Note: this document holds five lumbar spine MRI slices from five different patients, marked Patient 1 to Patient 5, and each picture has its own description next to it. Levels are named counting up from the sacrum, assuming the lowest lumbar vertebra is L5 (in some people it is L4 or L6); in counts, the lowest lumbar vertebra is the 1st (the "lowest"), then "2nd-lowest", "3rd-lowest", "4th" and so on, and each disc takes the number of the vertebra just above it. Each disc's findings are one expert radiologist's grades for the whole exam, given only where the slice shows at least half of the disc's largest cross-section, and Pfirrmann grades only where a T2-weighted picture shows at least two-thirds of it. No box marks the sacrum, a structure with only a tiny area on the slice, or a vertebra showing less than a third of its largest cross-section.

Patient 1 of 5:
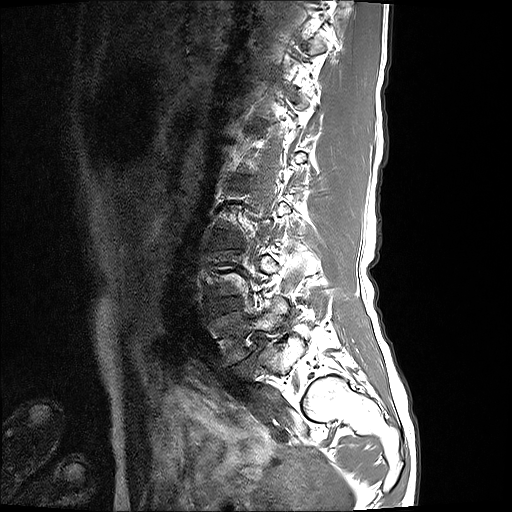 Field of view 300x300 mm, slice spacing 3.3 mm; Patient sex: F; Slice 2 of 17; T1-weighted sagittal MRI of the lumbar spine
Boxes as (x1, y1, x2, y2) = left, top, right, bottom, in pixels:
L5 (lowest vertebra) at (208, 298, 288, 365), disc L5/S1 (lowest disc) at (228, 338, 263, 374), disc L4/L5 (2nd-lowest disc) at (206, 297, 241, 317), disc L2/L3 (4th disc) at (235, 178, 247, 183), L3/L4 (3rd-lowest disc) at (213, 232, 240, 247).

Per-level radiological findings:
- L4/L5 (2nd-lowest disc): no spondylolisthesis, narrowing, bulging, herniation, Modic or endplate change recorded

Patient 2 of 5:
T2 SPACE (3D) sagittal MRI of the lumbar spine. Slice 59/120. 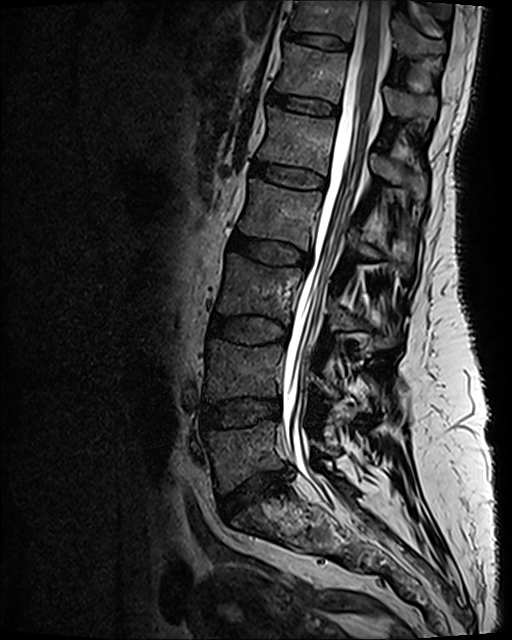
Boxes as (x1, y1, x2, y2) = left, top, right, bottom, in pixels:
Segmented structures:
- lowest vertebra: (207, 422, 336, 492)
- 2nd-lowest vertebra: (204, 340, 378, 411)
- lowest disc: (220, 470, 288, 518)
- 3rd-lowest disc: (210, 315, 287, 343)
- 4th disc: (230, 232, 310, 266)
- 3rd-lowest vertebra: (216, 254, 397, 348)
- 5th disc: (252, 161, 326, 188)
- 5th vertebra: (258, 108, 426, 201)
- 7th vertebra: (291, 0, 446, 58)
- thecal sac / spinal canal: (282, 0, 387, 502)
- 4th vertebra: (239, 179, 410, 277)
- 6th disc: (269, 93, 337, 115)
- 2nd-lowest disc: (201, 398, 280, 427)
- 7th disc: (284, 29, 349, 51)
- 6th vertebra: (275, 43, 436, 117)

Per-level radiological findings:
  6th disc: Pfirrmann grade 2
  5th disc: Pfirrmann grade 2
  2nd-lowest disc: Pfirrmann grade 3, disc bulging
  3rd-lowest disc: Pfirrmann grade 3
  4th disc: Pfirrmann grade 3, disc bulging
  lowest disc: Pfirrmann grade 3, lower-endplate change, disc herniation, upper-endplate change, disc narrowing
  7th disc: Pfirrmann grade 2

Patient 3 of 5:
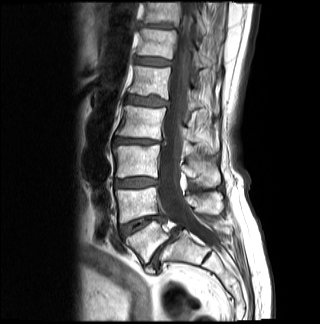 Sagittal slice index 9, 320x324 px, Sagittal T1-weighted lumbar spine MRI
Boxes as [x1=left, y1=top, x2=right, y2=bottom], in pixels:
IVD L4/L5 at [x1=120, y1=215, x2=165, y2=237], T12/L1 at [x1=135, y1=57, x2=171, y2=65], IVD L2/L3 at [x1=113, y1=138, x2=165, y2=145], IVD L5/S1 at [x1=146, y1=227, x2=180, y2=269], T11/T12 at [x1=139, y1=23, x2=172, y2=29], L3 vertebra at [x1=113, y1=145, x2=220, y2=187], L1/L2 at [x1=126, y1=95, x2=168, y2=106], L5 at [x1=125, y1=218, x2=227, y2=262], L4 vertebra at [x1=115, y1=186, x2=220, y2=223], L3/L4 at [x1=115, y1=177, x2=157, y2=187], L1 vertebra at [x1=128, y1=65, x2=219, y2=114], T12 at [x1=138, y1=28, x2=207, y2=69], spinal canal at [x1=160, y1=1, x2=215, y2=246], L2 at [x1=116, y1=105, x2=217, y2=153], T11 at [x1=143, y1=1, x2=206, y2=34].

Expert MSK radiologist gradings (per disc):
  L3/L4: disc bulging
  L5/S1: disc bulging, disc herniation, disc narrowing, spondylolisthesis, lower-endplate change, Modic type II, upper-endplate change
  T11/T12: disc bulging, disc narrowing
  L1/L2: lower-endplate change, disc bulging
  L4/L5: Modic type II, disc narrowing
  L2/L3: disc narrowing, Modic type II, disc bulging
  T12/L1: no Modic or endplate change, herniation, narrowing, bulging or spondylolisthesis recorded

Patient 4 of 5:
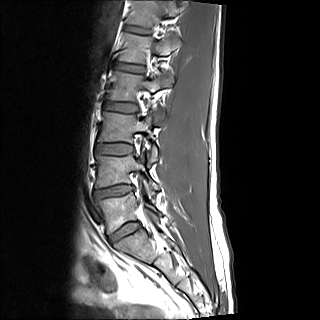

Sex M. Slice 12/15. MRI lumbar spine (T1-weighted), sagittal plane. 320x320 px.
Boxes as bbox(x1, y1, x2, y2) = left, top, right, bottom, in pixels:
L1 (5th vertebra): bbox(119, 32, 179, 63).
L4 (2nd-lowest vertebra): bbox(95, 149, 159, 189).
Intervertebral disc L1/L2 (5th disc): bbox(115, 62, 145, 72).
L3/L4 (3rd-lowest disc): bbox(95, 144, 133, 154).
L5/S1 (lowest disc): bbox(108, 222, 140, 243).
L5 (lowest vertebra): bbox(97, 192, 160, 234).
L3 (3rd-lowest vertebra): bbox(97, 112, 157, 161).
L2 (4th vertebra): bbox(107, 71, 173, 124).
T12/L1 (6th disc): bbox(124, 26, 150, 33).
L2/L3 (4th disc): bbox(103, 101, 137, 112).
Intervertebral disc L4/L5 (2nd-lowest disc): bbox(95, 185, 133, 198).
T12 (6th vertebra): bbox(127, 0, 177, 27).

Degenerative findings by level:
• L4/L5 (2nd-lowest disc): disc herniation, disc narrowing
• L5/S1 (lowest disc): disc bulging
• T12/L1 (6th disc), L1/L2 (5th disc), L3/L4 (3rd-lowest disc), L2/L3 (4th disc): no spondylolisthesis, narrowing, bulging, herniation, Modic or endplate change recorded

Patient 5 of 5:
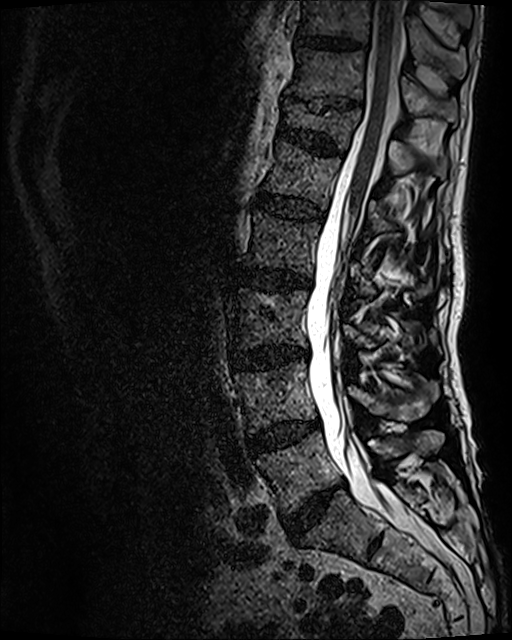 Field of view 240x300 mm. MRI lumbar spine (T2 SPACE (3D)), sagittal plane. Slice 64 of 120.

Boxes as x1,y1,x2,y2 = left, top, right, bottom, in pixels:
Disc T10/T11 — 296,36,359,48.
L1 vertebra — 263,140,392,233.
L5 vertebra — 257,431,444,513.
T11 vertebra — 287,49,457,125.
Spinal canal — 305,0,437,554.
Disc L1/L2 — 255,192,322,218.
L3/L4 — 231,346,307,368.
Disc L5/S1 — 283,489,334,542.
L3 — 230,289,426,351.
T12 — 281,103,447,174.
Disc T11/T12 — 308,98,352,112.
L4 — 235,360,439,433.
L2 — 245,210,430,297.
L4/L5 — 248,421,319,454.
T10 vertebra — 302,0,466,78.
Disc L2/L3 — 235,269,312,291.
T12/L1 — 278,124,342,154.

Radiological gradings:
  T10/T11: Pfirrmann grade 3
  L5/S1: Pfirrmann grade 4, disc bulging, disc narrowing
  L3/L4: Pfirrmann grade 4, disc bulging, Modic type II, disc narrowing
  L4/L5: Pfirrmann grade 3, Modic type II, disc bulging
  T12/L1: Pfirrmann grade 3, lower-endplate change, upper-endplate change
  L1/L2: Pfirrmann grade 3
  T11/T12: Pfirrmann grade 5, upper-endplate change, disc narrowing, lower-endplate change
  L2/L3: Pfirrmann grade 3, disc bulging, Modic type II